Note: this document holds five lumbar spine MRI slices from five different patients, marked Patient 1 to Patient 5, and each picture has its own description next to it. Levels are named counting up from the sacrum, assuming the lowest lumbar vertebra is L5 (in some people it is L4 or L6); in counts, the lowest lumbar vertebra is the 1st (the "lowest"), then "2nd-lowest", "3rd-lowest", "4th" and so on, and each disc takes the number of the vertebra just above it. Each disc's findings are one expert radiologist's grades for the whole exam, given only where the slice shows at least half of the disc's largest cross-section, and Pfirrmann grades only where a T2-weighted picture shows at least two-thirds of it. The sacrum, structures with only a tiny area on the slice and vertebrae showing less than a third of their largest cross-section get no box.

Patient 1 of 5:
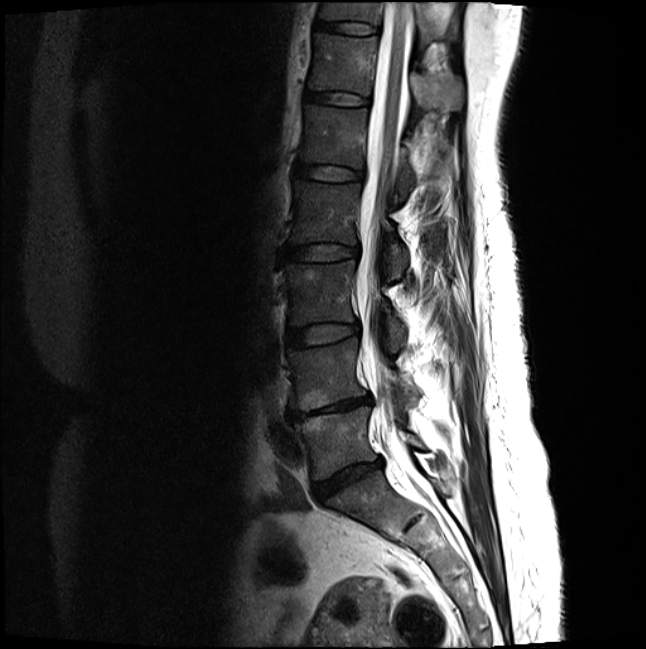 T2-weighted sagittal MRI of the lumbar spine | Image 646x649 | Sex F | Sagittal slice index 12
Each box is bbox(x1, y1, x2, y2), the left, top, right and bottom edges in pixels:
Structures:
* disc L5/S1 (lowest disc) — bbox(313, 459, 382, 501)
* T11/T12 (7th disc) — bbox(315, 19, 377, 33)
* L1/L2 (5th disc) — bbox(295, 162, 362, 179)
* T11 (7th vertebra) — bbox(319, 1, 444, 43)
* disc L2/L3 (4th disc) — bbox(282, 243, 357, 259)
* L3 (3rd-lowest vertebra) — bbox(285, 260, 406, 351)
* disc L4/L5 (2nd-lowest disc) — bbox(288, 396, 370, 421)
* L5 (lowest vertebra) — bbox(295, 406, 424, 479)
* L2 (4th vertebra) — bbox(289, 180, 409, 277)
* L3/L4 (3rd-lowest disc) — bbox(288, 322, 358, 347)
* T12 (6th vertebra) — bbox(309, 32, 463, 110)
* disc T12/L1 (6th disc) — bbox(304, 89, 369, 104)
* L1 (5th vertebra) — bbox(299, 104, 415, 194)
* thecal sac / spinal canal — bbox(357, 1, 411, 461)
* L4 (2nd-lowest vertebra) — bbox(289, 338, 418, 410)

Degenerative findings by level:
  L4/L5 (2nd-lowest disc): Pfirrmann grade 5, disc narrowing, upper-endplate change, lower-endplate change, disc bulging, Modic type II
  T11/T12 (7th disc): Pfirrmann grade 2
  T12/L1 (6th disc): Pfirrmann grade 2
  L1/L2 (5th disc): Pfirrmann grade 2
  L2/L3 (4th disc): Pfirrmann grade 2
  L3/L4 (3rd-lowest disc): Pfirrmann grade 2
  L5/S1 (lowest disc): Pfirrmann grade 4, disc bulging, disc narrowing

Patient 2 of 5:
Slice 68/154 | Scanner: SIEMENS Avanto_fit (1.5T) | 512x657 px | Sagittal T2 SPACE (3D) lumbar spine MRI 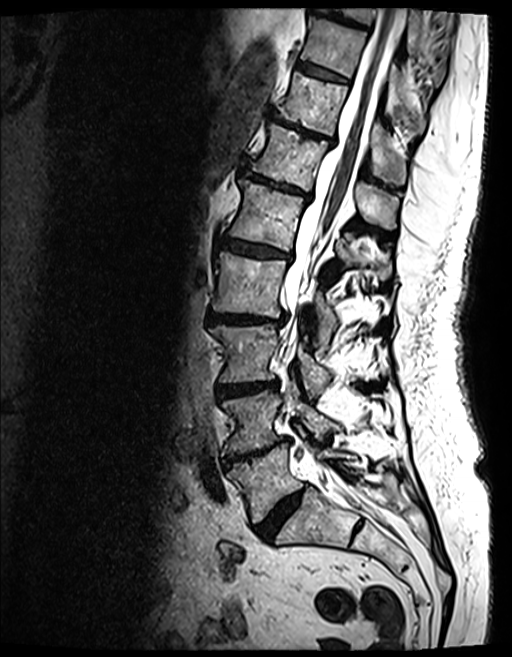
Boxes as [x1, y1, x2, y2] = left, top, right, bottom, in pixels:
Intervertebral disc L3/L4: [217, 382, 273, 395].
T12: [249, 125, 398, 229].
L5/S1: [256, 485, 308, 538].
Intervertebral disc T9/T10: [312, 5, 367, 28].
L1: [229, 180, 353, 264].
T9 vertebra: [331, 8, 444, 81].
L5: [227, 443, 346, 522].
L3 vertebra: [211, 324, 331, 396].
T10 vertebra: [300, 16, 426, 132].
L2 vertebra: [213, 252, 338, 346].
T11/T12: [269, 112, 334, 143].
Intervertebral disc L2/L3: [208, 313, 281, 324].
L4: [221, 381, 340, 454].
Thecal sac / spinal canal: [282, 7, 404, 507].
T10/T11: [297, 61, 348, 82].
Intervertebral disc T12/L1: [240, 168, 310, 200].
T11 vertebra: [277, 72, 407, 184].
L4/L5: [223, 437, 288, 466].
L1/L2: [224, 239, 288, 259].

Degenerative findings by level:
• L5/S1: Pfirrmann grade 4, disc narrowing, disc bulging
• L1/L2: Pfirrmann grade 4, Modic type II, upper-endplate change, lower-endplate change, disc narrowing, disc bulging
• T9/T10: Pfirrmann grade 4, upper-endplate change, disc bulging, lower-endplate change, Modic type II
• T12/L1: Pfirrmann grade 4, disc bulging, upper-endplate change, lower-endplate change, Modic type II, disc narrowing
• L4/L5: disc bulging, upper-endplate change, Modic type II, lower-endplate change, disc narrowing
• T11/T12: Pfirrmann grade 5, Modic type II, disc bulging, disc narrowing, upper-endplate change, lower-endplate change
• L2/L3: Pfirrmann grade 4, upper-endplate change, lower-endplate change, disc bulging, disc narrowing, Modic type II
• T10/T11: Pfirrmann grade 4, lower-endplate change, upper-endplate change, Modic type II
• L3/L4: disc bulging, disc narrowing, Modic type II, lower-endplate change, upper-endplate change

Patient 3 of 5:
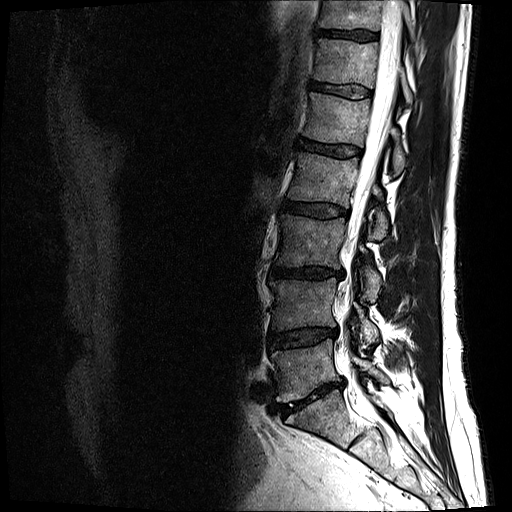 T2-weighted sagittal MRI of the lumbar spine
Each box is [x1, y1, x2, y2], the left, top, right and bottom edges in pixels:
T12 (6th vertebra): [313, 38, 412, 104].
IVD L3/L4 (3rd-lowest disc): [269, 267, 343, 279].
IVD L5/S1 (lowest disc): [277, 382, 343, 417].
IVD L1/L2 (5th disc): [297, 139, 360, 157].
L5 (lowest vertebra): [271, 339, 387, 404].
L2/L3 (4th disc): [283, 201, 348, 217].
L1 (5th vertebra): [303, 92, 406, 175].
T12/L1 (6th disc): [310, 82, 371, 98].
L3 (3rd-lowest vertebra): [274, 214, 383, 299].
Thecal sac / spinal canal: [341, 0, 402, 371].
T11/T12 (7th disc): [316, 29, 377, 40].
L2 (4th vertebra): [287, 151, 388, 239].
T11 (7th vertebra): [318, 0, 415, 40].
L4 (2nd-lowest vertebra): [270, 277, 379, 347].
IVD L4/L5 (2nd-lowest disc): [269, 328, 337, 348].

Per-level radiological findings:
  L1/L2 (5th disc): Pfirrmann grade 4
  T11/T12 (7th disc): Pfirrmann grade 4
  L3/L4 (3rd-lowest disc): Pfirrmann grade 4, disc narrowing, lower-endplate change, disc bulging
  T12/L1 (6th disc): Pfirrmann grade 3
  L4/L5 (2nd-lowest disc): Pfirrmann grade 3, disc bulging, disc narrowing
  L2/L3 (4th disc): Pfirrmann grade 3, disc bulging
  L5/S1 (lowest disc): Pfirrmann grade 5, Modic type II, disc bulging, disc narrowing

Patient 4 of 5:
Slice spacing 3.3 mm | Sagittal T1-weighted lumbar spine MRI
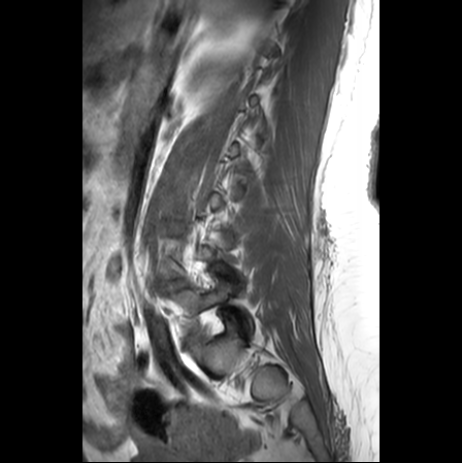
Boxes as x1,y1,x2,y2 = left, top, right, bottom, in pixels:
{"2nd-lowest disc": "172,280,184,286", "lowest vertebra": "172,280,253,329"}

Patient 5 of 5:
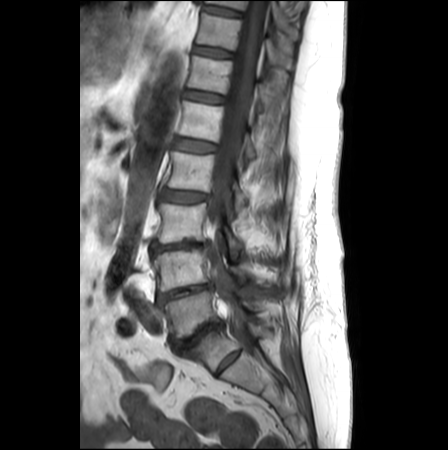 MRI lumbar spine (T1-weighted), sagittal plane, Patient sex: F
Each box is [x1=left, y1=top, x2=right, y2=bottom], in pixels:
2nd-lowest vertebra: [x1=152, y1=248, x2=258, y2=291].
7th vertebra: [x1=197, y1=12, x2=294, y2=69].
4th vertebra: [x1=168, y1=151, x2=248, y2=215].
3rd-lowest vertebra: [x1=158, y1=203, x2=243, y2=257].
Lowest disc: [x1=171, y1=323, x2=223, y2=351].
Spinal canal: [x1=207, y1=0, x2=267, y2=348].
2nd-lowest disc: [x1=157, y1=281, x2=212, y2=304].
8th vertebra: [x1=207, y1=0, x2=299, y2=38].
Lowest vertebra: [x1=161, y1=290, x2=282, y2=336].
5th disc: [x1=175, y1=138, x2=215, y2=152].
6th disc: [x1=186, y1=90, x2=224, y2=103].
7th disc: [x1=194, y1=45, x2=232, y2=57].
6th vertebra: [x1=189, y1=56, x2=269, y2=108].
4th disc: [x1=161, y1=190, x2=207, y2=202].
8th disc: [x1=204, y1=4, x2=240, y2=15].
5th vertebra: [x1=179, y1=100, x2=255, y2=157].
3rd-lowest disc: [x1=149, y1=241, x2=207, y2=250].

Radiological gradings:
- 4th disc: disc bulging
- lowest disc: upper-endplate change, disc bulging, Modic type II, lower-endplate change, disc narrowing
- 3rd-lowest disc: disc bulging, lower-endplate change, disc narrowing, upper-endplate change
- 2nd-lowest disc: disc narrowing, disc bulging
- 8th disc, 6th disc, 7th disc, 5th disc: no Modic or endplate change, herniation, narrowing, bulging or spondylolisthesis recorded